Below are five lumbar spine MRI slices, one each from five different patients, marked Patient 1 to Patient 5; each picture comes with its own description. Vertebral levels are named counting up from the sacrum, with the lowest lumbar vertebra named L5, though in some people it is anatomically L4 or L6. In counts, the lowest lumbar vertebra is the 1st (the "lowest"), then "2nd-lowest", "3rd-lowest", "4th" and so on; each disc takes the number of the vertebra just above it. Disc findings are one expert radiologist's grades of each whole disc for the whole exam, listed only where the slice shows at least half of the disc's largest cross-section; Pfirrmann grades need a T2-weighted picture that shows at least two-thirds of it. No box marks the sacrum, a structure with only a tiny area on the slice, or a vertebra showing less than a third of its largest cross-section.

Patient 1 of 5:
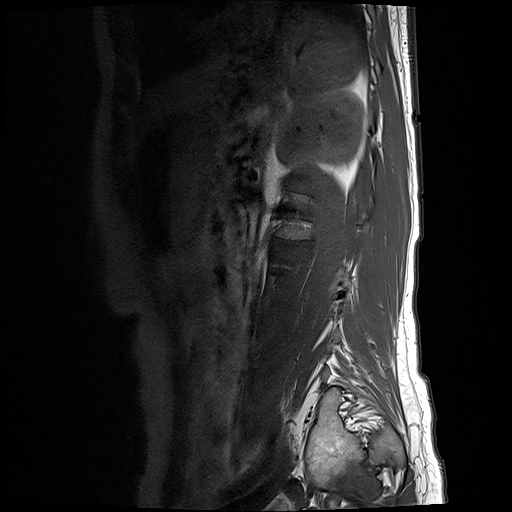
Field of view 300x300 mm; T1-weighted sagittal MRI of the lumbar spine; Sex F

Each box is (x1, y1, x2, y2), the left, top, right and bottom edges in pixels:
Segmented structures:
- 4th disc at (275, 241, 295, 247)
- 5th disc at (290, 183, 311, 190)

Patient 2 of 5:
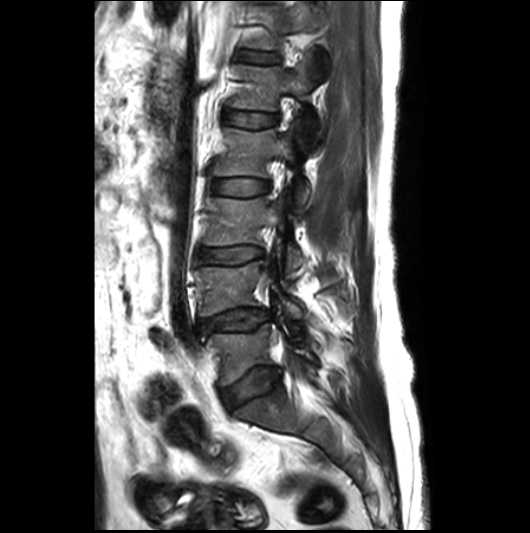 530x533 px; MRI lumbar spine (T2-weighted), sagittal plane
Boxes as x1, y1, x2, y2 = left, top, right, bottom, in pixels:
* L4 (2nd-lowest vertebra) = 196, 250, 303, 319
* IVD L1/L2 (5th disc) = 225, 111, 276, 127
* L2/L3 (4th disc) = 213, 179, 268, 196
* L1 (5th vertebra) = 229, 53, 323, 151
* L5 (lowest vertebra) = 206, 324, 316, 385
* L2 (4th vertebra) = 214, 120, 309, 209
* IVD T12/L1 (6th disc) = 239, 50, 278, 63
* IVD L4/L5 (2nd-lowest disc) = 199, 308, 270, 333
* T12 (6th vertebra) = 249, 3, 329, 79
* L3/L4 (3rd-lowest disc) = 199, 246, 264, 263
* L3 (3rd-lowest vertebra) = 203, 188, 303, 275
* L5/S1 (lowest disc) = 221, 367, 280, 410

Expert MSK radiologist gradings (per disc):
  L4/L5 (2nd-lowest disc): Pfirrmann grade 3, disc narrowing, Modic type II, disc bulging, disc herniation
  L3/L4 (3rd-lowest disc): Pfirrmann grade 3, upper-endplate change, disc bulging
  L5/S1 (lowest disc): Pfirrmann grade 3, disc bulging
  L2/L3 (4th disc): Pfirrmann grade 2
  L1/L2 (5th disc): Pfirrmann grade 2

Patient 3 of 5:
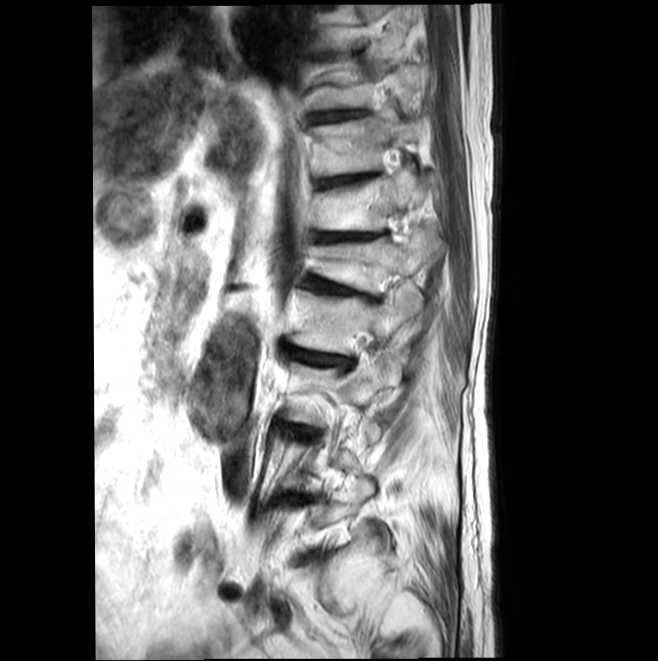 Sex M; 658x661 px; Slice 6/22; Lumbar spine MR, T2-weighted, sagittal

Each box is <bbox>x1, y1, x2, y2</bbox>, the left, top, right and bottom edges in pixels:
7th disc — <bbox>316, 175, 369, 186</bbox> | 5th disc — <bbox>302, 276, 378, 302</bbox> | 5th vertebra — <bbox>314, 221, 440, 293</bbox> | 6th vertebra — <bbox>317, 171, 421, 230</bbox> | 6th disc — <bbox>320, 233, 374, 241</bbox> | 8th vertebra — <bbox>317, 63, 417, 110</bbox> | 4th disc — <bbox>284, 347, 344, 365</bbox> | 4th vertebra — <bbox>291, 281, 422, 354</bbox> | 8th disc — <bbox>315, 110, 359, 122</bbox> | 7th vertebra — <bbox>313, 117, 424, 175</bbox>

Radiological gradings:
  8th disc: no herniation, bulging, narrowing, spondylolisthesis, endplate or Modic change recorded

Patient 4 of 5:
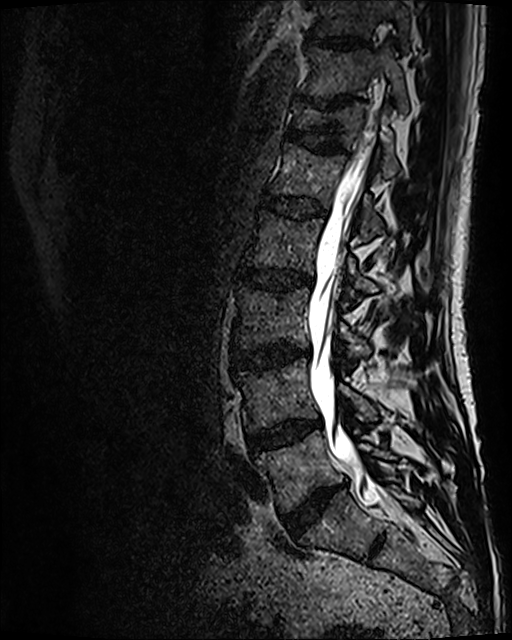 Patient sex: M, Image 512x640, MRI lumbar spine (T2 SPACE (3D)), sagittal plane, Slice 52 of 120

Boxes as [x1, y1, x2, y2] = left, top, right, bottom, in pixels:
{"7th vertebra": "[299, 44, 408, 113]", "5th vertebra": "[271, 143, 384, 240]", "4th vertebra": "[247, 211, 379, 297]", "2nd-lowest disc": "[247, 420, 320, 449]", "8th disc": "[307, 37, 361, 48]", "5th disc": "[262, 195, 325, 218]", "7th disc": "[317, 98, 349, 108]", "4th disc": "[240, 269, 312, 290]", "3rd-lowest disc": "[231, 346, 309, 372]", "8th vertebra": "[315, 0, 409, 51]", "spinal canal": "[307, 97, 387, 505]", "lowest disc": "[282, 486, 340, 534]", "lowest vertebra": "[256, 431, 395, 512]", "2nd-lowest vertebra": "[235, 358, 377, 432]", "6th disc": "[286, 127, 345, 151]", "3rd-lowest vertebra": "[234, 287, 370, 358]", "6th vertebra": "[292, 101, 399, 178]"}

Expert MSK radiologist gradings (per disc):
- 7th disc: disc narrowing, lower-endplate change, upper-endplate change
- lowest disc: Pfirrmann grade 4, disc narrowing, disc bulging
- 6th disc: lower-endplate change, upper-endplate change
- 3rd-lowest disc: Pfirrmann grade 4, Modic type II, disc narrowing, disc bulging
- 5th disc: Pfirrmann grade 3
- 4th disc: Pfirrmann grade 3, Modic type II, disc bulging
- 8th disc: Pfirrmann grade 3
- 2nd-lowest disc: Pfirrmann grade 3, disc bulging, Modic type II

Patient 5 of 5:
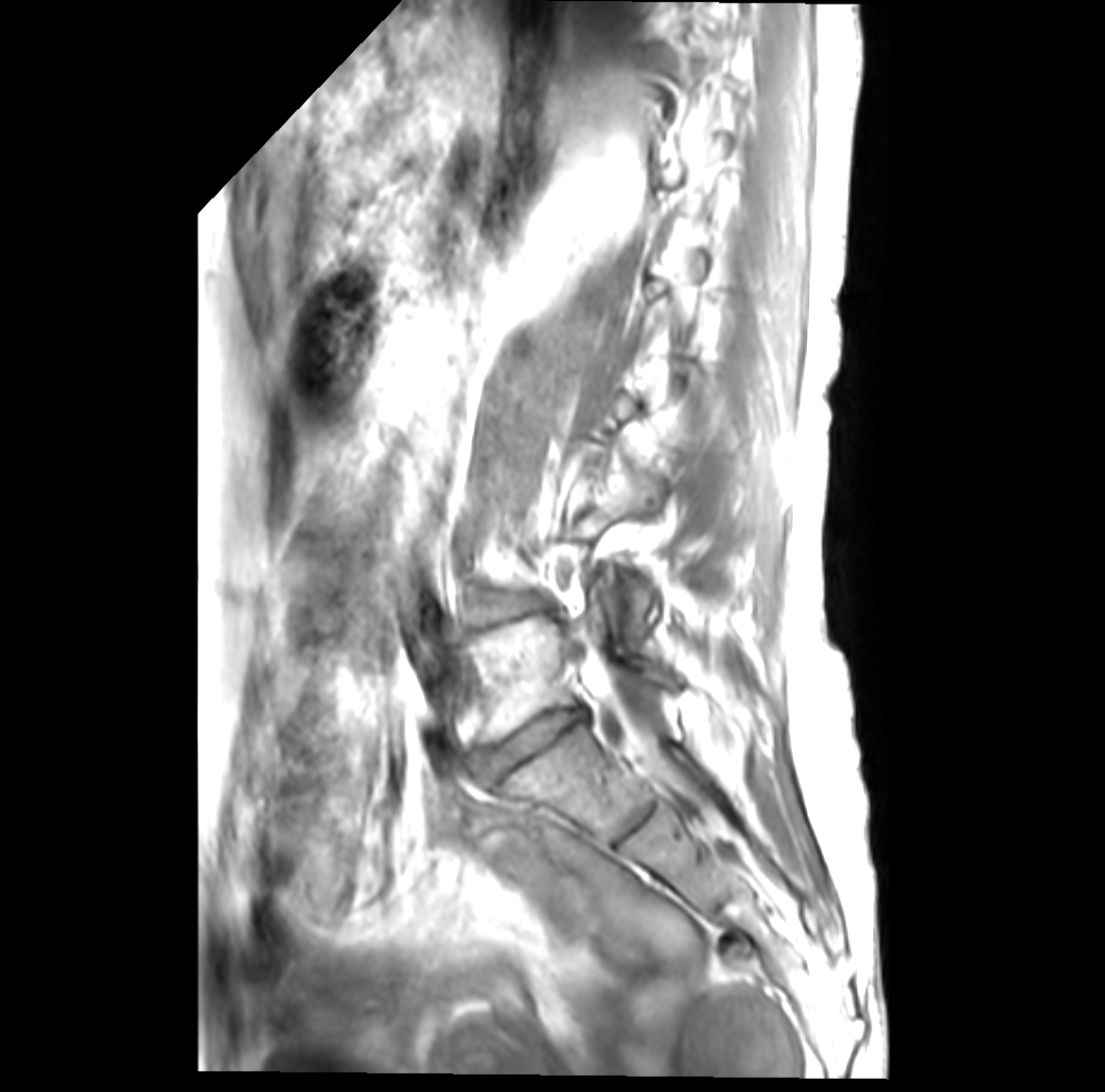
Patient sex: F, Image 1105x1092, Sagittal T1-weighted lumbar spine MRI

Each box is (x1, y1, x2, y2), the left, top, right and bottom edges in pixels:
2nd-lowest disc: (471, 594, 542, 625)
spinal canal: (593, 667, 729, 837)
lowest vertebra: (471, 600, 677, 741)
lowest disc: (479, 713, 581, 775)

Per-level radiological findings:
  lowest disc: Modic type II, disc bulging, disc narrowing